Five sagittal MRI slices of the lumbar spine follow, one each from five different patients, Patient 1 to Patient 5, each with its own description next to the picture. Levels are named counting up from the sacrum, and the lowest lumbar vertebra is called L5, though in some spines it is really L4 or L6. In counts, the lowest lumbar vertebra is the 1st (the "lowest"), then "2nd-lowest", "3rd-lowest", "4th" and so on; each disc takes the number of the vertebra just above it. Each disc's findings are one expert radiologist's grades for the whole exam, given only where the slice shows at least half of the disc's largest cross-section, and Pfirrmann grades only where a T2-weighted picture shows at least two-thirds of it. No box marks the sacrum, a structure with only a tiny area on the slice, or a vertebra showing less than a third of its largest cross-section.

Patient 1 of 5:
Sagittal T2-weighted lumbar spine MRI, 613x611 px, Sex M

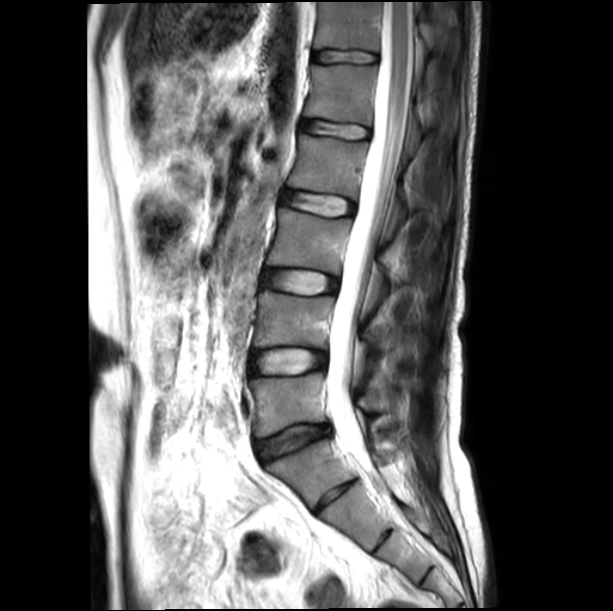 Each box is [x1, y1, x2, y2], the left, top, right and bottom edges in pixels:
L5 (lowest vertebra): [250, 372, 409, 437].
Spinal canal: [326, 2, 414, 472].
L1 (5th vertebra): [302, 65, 427, 155].
L3/L4 (3rd-lowest disc): [262, 270, 337, 294].
L3 (3rd-lowest vertebra): [267, 208, 398, 281].
IVD L5/S1 (lowest disc): [256, 424, 330, 460].
IVD T12/L1 (6th disc): [313, 50, 377, 62].
T12 (6th vertebra): [314, 2, 450, 82].
L1/L2 (5th disc): [300, 120, 368, 138].
L4 (2nd-lowest vertebra): [255, 291, 405, 358].
L2 (4th vertebra): [288, 134, 416, 233].
IVD L4/L5 (2nd-lowest disc): [250, 349, 325, 375].
L2/L3 (4th disc): [281, 190, 354, 215].

Expert MSK radiologist gradings (per disc):
- L4/L5 (2nd-lowest disc): Pfirrmann grade 1
- L5/S1 (lowest disc): Pfirrmann grade 2, disc narrowing, disc bulging
- L3/L4 (3rd-lowest disc): Pfirrmann grade 1
- L1/L2 (5th disc): Pfirrmann grade 1
- T12/L1 (6th disc): Pfirrmann grade 1
- L2/L3 (4th disc): Pfirrmann grade 1

Patient 2 of 5:
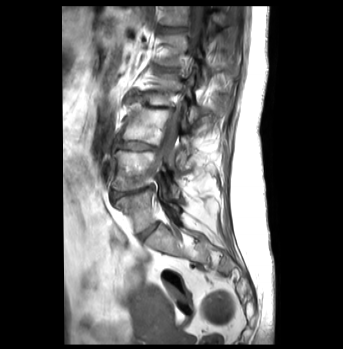 Field of view 285x291 mm. Sagittal T1-weighted lumbar spine MRI. Patient sex: F.
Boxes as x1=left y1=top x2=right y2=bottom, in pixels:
3rd-lowest vertebra: x1=120 y1=103 x2=191 y2=158.
2nd-lowest disc: x1=111 y1=185 x2=153 y2=200.
2nd-lowest vertebra: x1=112 y1=150 x2=178 y2=197.
4th vertebra: x1=137 y1=73 x2=224 y2=122.
3rd-lowest disc: x1=113 y1=138 x2=157 y2=152.
5th vertebra: x1=154 y1=33 x2=229 y2=85.
4th disc: x1=127 y1=94 x2=173 y2=110.
Lowest vertebra: x1=115 y1=190 x2=180 y2=232.
6th vertebra: x1=160 y1=6 x2=225 y2=26.
Spinal canal: x1=158 y1=6 x2=206 y2=163.
Lowest disc: x1=139 y1=223 x2=157 y2=238.
6th disc: x1=157 y1=25 x2=187 y2=33.
5th disc: x1=153 y1=64 x2=177 y2=72.

Expert MSK radiologist gradings (per disc):
  2nd-lowest disc: disc bulging, lower-endplate change, Modic type II, disc narrowing
  3rd-lowest disc: disc bulging, Modic type II
  6th disc: upper-endplate change

Patient 3 of 5:
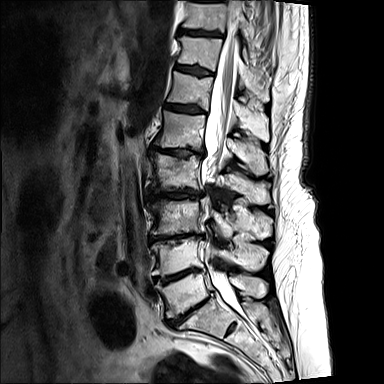 Sagittal T2-weighted lumbar spine MRI, 384x384 px

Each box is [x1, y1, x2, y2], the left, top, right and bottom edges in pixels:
L5 vertebra = [156, 272, 267, 317].
T12 = [168, 72, 269, 141].
T11 vertebra = [178, 36, 268, 102].
Disc L1/L2 = [152, 146, 203, 156].
L2 = [150, 153, 270, 204].
Disc T12/L1 = [164, 104, 201, 113].
T10 vertebra = [183, 2, 253, 42].
L5/S1 = [166, 296, 210, 325].
T11/T12 = [176, 65, 212, 75].
L4 vertebra = [151, 237, 264, 275].
L1 vertebra = [155, 111, 267, 174].
Thecal sac / spinal canal = [201, 3, 240, 306].
L4/L5 = [154, 267, 203, 283].
Disc T10/T11 = [178, 29, 220, 35].
L3/L4 = [149, 233, 202, 242].
L3 vertebra = [147, 199, 272, 240].
Disc L2/L3 = [151, 188, 203, 199].

Degenerative findings by level:
  L3/L4: Modic type II, disc bulging, disc narrowing, upper-endplate change, lower-endplate change
  T11/T12: Pfirrmann grade 4, upper-endplate change
  L1/L2: Pfirrmann grade 5, disc bulging, Modic type I, lower-endplate change, upper-endplate change, disc narrowing
  T10/T11: Pfirrmann grade 4, upper-endplate change
  L4/L5: Pfirrmann grade 5, disc narrowing, disc bulging, Modic type II, upper-endplate change, lower-endplate change
  T12/L1: Pfirrmann grade 4
  L5/S1: Pfirrmann grade 5, upper-endplate change, Modic type II, disc narrowing, disc bulging, lower-endplate change
  L2/L3: Pfirrmann grade 5, disc narrowing, upper-endplate change, Modic type I, disc bulging, lower-endplate change

Patient 4 of 5:
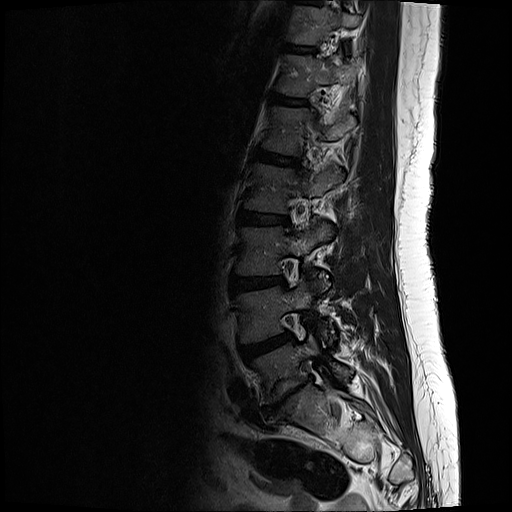 Image 512x512 | Lumbar spine MR, T2-weighted, sagittal
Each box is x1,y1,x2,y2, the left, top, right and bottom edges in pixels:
Segmented structures:
• L3 vertebra at 235,222,330,274
• L5 at 251,335,350,404
• L1/L2 at 252,151,296,165
• L2/L3 at 237,209,289,225
• T12 at 274,54,358,96
• IVD L5/S1 at 260,382,305,417
• IVD T12/L1 at 268,93,306,105
• IVD L3/L4 at 231,277,284,292
• L4 vertebra at 235,280,326,341
• IVD L4/L5 at 239,333,291,360
• T11 at 287,7,356,44
• L2 at 243,164,340,213
• L1 vertebra at 259,106,354,154
• IVD T11/T12 at 282,44,316,52

Per-level radiological findings:
- L4/L5: disc bulging
- L3/L4: disc bulging
- T12/L1: Pfirrmann grade 2
- L1/L2: Pfirrmann grade 2
- L2/L3: Pfirrmann grade 2

Patient 5 of 5:
Sex M | MRI lumbar spine (T2 SPACE (3D)), sagittal plane | Slice spacing 0.9 mm 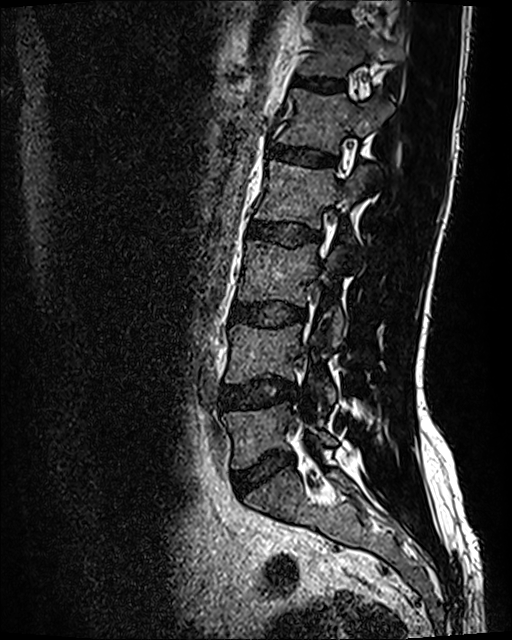
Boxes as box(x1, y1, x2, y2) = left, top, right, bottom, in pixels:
Segmented structures:
- T11/T12 at box(315, 8, 347, 21)
- disc L3/L4 at box(231, 303, 305, 326)
- L3 at box(238, 239, 345, 345)
- disc L1/L2 at box(269, 143, 334, 165)
- L1 vertebra at box(278, 88, 393, 153)
- T12 vertebra at box(301, 24, 401, 77)
- disc T12/L1 at box(299, 78, 342, 90)
- L4/L5 at box(221, 378, 297, 410)
- L4 at box(225, 324, 335, 403)
- L5 vertebra at box(223, 402, 336, 469)
- L5/S1 at box(233, 453, 293, 495)
- L2/L3 at box(249, 220, 320, 246)
- L2 vertebra at box(256, 160, 375, 228)

Expert MSK radiologist gradings (per disc):
  L2/L3: Pfirrmann grade 2
  L1/L2: Pfirrmann grade 2
  L3/L4: Pfirrmann grade 2, disc bulging
  L5/S1: disc bulging
  L4/L5: Pfirrmann grade 2, disc bulging
  T12/L1: no Modic or endplate change, herniation, narrowing, bulging or spondylolisthesis recorded